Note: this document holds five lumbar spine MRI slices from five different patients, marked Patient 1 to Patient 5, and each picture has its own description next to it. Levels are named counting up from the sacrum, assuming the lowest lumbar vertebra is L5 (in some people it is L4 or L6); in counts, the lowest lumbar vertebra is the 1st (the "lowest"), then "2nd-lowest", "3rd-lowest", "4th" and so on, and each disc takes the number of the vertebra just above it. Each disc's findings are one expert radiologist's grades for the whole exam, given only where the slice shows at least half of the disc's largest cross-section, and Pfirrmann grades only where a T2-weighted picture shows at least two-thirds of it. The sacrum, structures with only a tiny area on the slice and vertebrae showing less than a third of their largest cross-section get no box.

Patient 1 of 5:
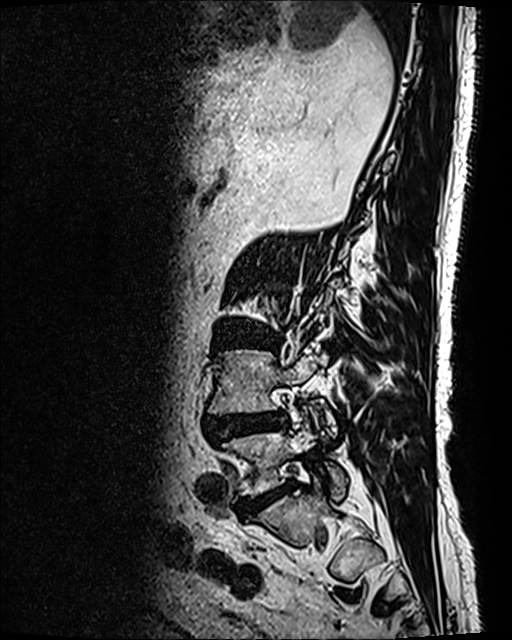
Lumbar spine MR, T2 SPACE (3D), sagittal, Slice spacing 0.9 mm, 512x640 px

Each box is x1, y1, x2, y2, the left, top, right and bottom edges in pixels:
• IVD L4/L5: 207, 412, 286, 442
• L3/L4: 215, 330, 276, 349
• L4 vertebra: 208, 350, 327, 414
• L5/S1: 247, 483, 291, 512
• L5: 224, 420, 347, 499

Degenerative findings by level:
- L3/L4: lower-endplate change, upper-endplate change, disc bulging
- L4/L5: Pfirrmann grade 4, disc narrowing, disc bulging, Modic type II, upper-endplate change, spondylolisthesis, lower-endplate change, disc herniation

Patient 2 of 5:
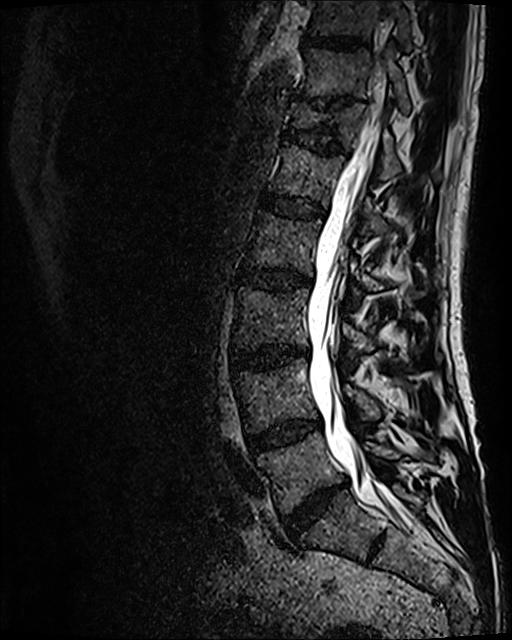

MRI lumbar spine (T2 SPACE (3D)), sagittal plane; Field of view 240x300 mm

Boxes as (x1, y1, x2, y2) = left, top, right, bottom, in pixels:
7th disc at (316, 99, 352, 108), spinal canal at (307, 18, 392, 507), 5th disc at (261, 194, 324, 218), 6th disc at (285, 126, 347, 153), 8th disc at (304, 37, 360, 48), 2nd-lowest disc at (246, 421, 320, 449), 2nd-lowest vertebra at (235, 359, 382, 432), lowest vertebra at (257, 431, 432, 513), 5th vertebra at (269, 142, 390, 234), 4th vertebra at (245, 211, 427, 298), 3rd-lowest disc at (231, 346, 307, 371), 7th vertebra at (296, 46, 410, 113), 6th vertebra at (290, 102, 442, 180), lowest disc at (281, 484, 341, 535), 4th disc at (238, 269, 311, 290), 3rd-lowest vertebra at (233, 287, 378, 356), 8th vertebra at (310, 0, 413, 51).

Per-level radiological findings:
- 6th disc: Pfirrmann grade 3, lower-endplate change, upper-endplate change
- 7th disc: upper-endplate change, disc narrowing, lower-endplate change
- 4th disc: Pfirrmann grade 3, Modic type II, disc bulging
- 8th disc: Pfirrmann grade 3
- 5th disc: Pfirrmann grade 3
- lowest disc: Pfirrmann grade 4, disc narrowing, disc bulging
- 3rd-lowest disc: Pfirrmann grade 4, disc narrowing, disc bulging, Modic type II
- 2nd-lowest disc: Pfirrmann grade 3, Modic type II, disc bulging

Patient 3 of 5:
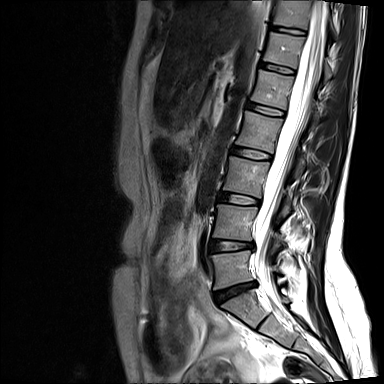 Sagittal T2-weighted lumbar spine MRI, Sagittal slice index 8, Sex F
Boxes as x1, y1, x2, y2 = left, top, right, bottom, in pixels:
L4/L5 at 210, 239, 252, 250.
L1 vertebra at 252, 69, 320, 123.
L5 at 212, 250, 277, 288.
IVD L1/L2 at 246, 103, 283, 115.
L2 at 236, 111, 305, 175.
L3 at 223, 157, 290, 216.
T11 at 273, 0, 336, 37.
IVD T11/T12 at 271, 25, 305, 34.
IVD L5/S1 at 215, 283, 254, 298.
T12 vertebra at 264, 32, 331, 80.
L4 vertebra at 212, 205, 282, 247.
T12/L1 at 260, 63, 295, 73.
IVD L3/L4 at 218, 193, 258, 204.
IVD L2/L3 at 231, 147, 270, 159.
Thecal sac / spinal canal at 255, 0, 326, 302.

Per-level radiological findings:
- L3/L4: Pfirrmann grade 2
- L2/L3: Pfirrmann grade 2
- L5/S1: Pfirrmann grade 4, disc bulging, disc herniation, disc narrowing, Modic type II
- L1/L2: Pfirrmann grade 2
- T12/L1: Pfirrmann grade 2
- T11/T12: Pfirrmann grade 2
- L4/L5: Pfirrmann grade 3, disc narrowing

Patient 4 of 5:
Sagittal T1-weighted lumbar spine MRI | Slice 8/24 | Image 512x517

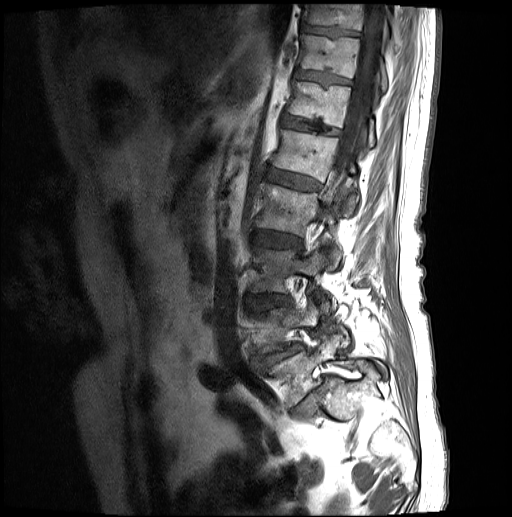

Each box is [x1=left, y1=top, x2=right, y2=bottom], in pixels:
Structures:
- 6th disc: [x1=282, y1=116, x2=338, y2=134]
- lowest disc: [x1=294, y1=385, x2=324, y2=417]
- 5th disc: [x1=267, y1=168, x2=319, y2=189]
- 7th disc: [x1=296, y1=70, x2=350, y2=84]
- 2nd-lowest vertebra: [x1=254, y1=299, x2=321, y2=353]
- 3rd-lowest vertebra: [x1=252, y1=247, x2=334, y2=311]
- 3rd-lowest disc: [x1=247, y1=294, x2=289, y2=310]
- 5th vertebra: [x1=274, y1=130, x2=359, y2=213]
- 4th vertebra: [x1=256, y1=184, x2=341, y2=266]
- spinal canal: [x1=332, y1=3, x2=385, y2=187]
- 8th disc: [x1=302, y1=25, x2=358, y2=36]
- 4th disc: [x1=252, y1=230, x2=300, y2=248]
- lowest vertebra: [x1=267, y1=335, x2=387, y2=405]
- 2nd-lowest disc: [x1=256, y1=344, x2=302, y2=368]
- 6th vertebra: [x1=287, y1=82, x2=374, y2=146]
- 8th vertebra: [x1=303, y1=4, x2=395, y2=36]
- 7th vertebra: [x1=299, y1=34, x2=387, y2=90]

Degenerative findings by level:
- 3rd-lowest disc: upper-endplate change, disc bulging, lower-endplate change
- lowest disc: spondylolisthesis, disc narrowing, Modic type II, disc herniation
- 4th disc: disc bulging
- 7th disc, 5th disc, 8th disc, 6th disc: no spondylolisthesis, narrowing, bulging, herniation, Modic or endplate change recorded

Patient 5 of 5:
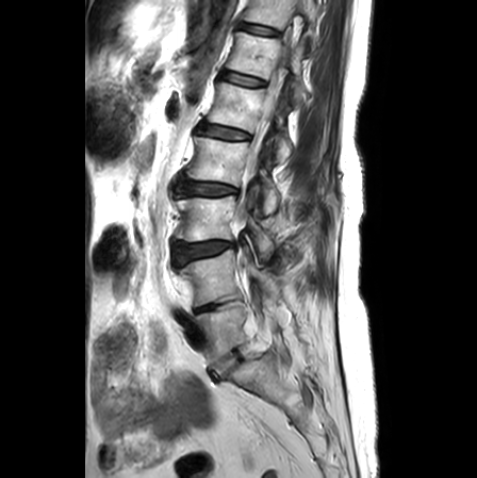

Sagittal T2-weighted lumbar spine MRI; Field of view 280x281 mm, slice spacing 3.3 mm

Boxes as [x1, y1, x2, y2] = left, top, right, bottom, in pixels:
Annotations:
* thecal sac / spinal canal = [248, 58, 288, 171]
* L4 (2nd-lowest vertebra) = [175, 241, 280, 306]
* intervertebral disc T12/L1 (6th disc) = [221, 71, 265, 86]
* T11/T12 (7th disc) = [240, 22, 279, 35]
* T12 (6th vertebra) = [227, 32, 307, 106]
* T11 (7th vertebra) = [244, 0, 317, 56]
* L2 (4th vertebra) = [187, 136, 280, 214]
* L4/L5 (2nd-lowest disc) = [196, 303, 219, 311]
* L5 (lowest vertebra) = [193, 301, 267, 361]
* intervertebral disc L2/L3 (4th disc) = [178, 178, 238, 195]
* L3 (3rd-lowest vertebra) = [176, 185, 274, 258]
* intervertebral disc L3/L4 (3rd-lowest disc) = [174, 241, 234, 263]
* intervertebral disc L5/S1 (lowest disc) = [210, 350, 244, 380]
* intervertebral disc L1/L2 (5th disc) = [200, 123, 249, 139]
* L1 (5th vertebra) = [208, 82, 292, 163]

Degenerative findings by level:
- L4/L5 (2nd-lowest disc): disc narrowing
- T12/L1 (6th disc): Pfirrmann grade 1
- L3/L4 (3rd-lowest disc): Pfirrmann grade 3, Modic type II, lower-endplate change, disc bulging, upper-endplate change
- L2/L3 (4th disc): Pfirrmann grade 2, disc bulging, upper-endplate change, lower-endplate change
- L5/S1 (lowest disc): Pfirrmann grade 1
- T11/T12 (7th disc): Pfirrmann grade 1
- L1/L2 (5th disc): Pfirrmann grade 2, upper-endplate change, lower-endplate change